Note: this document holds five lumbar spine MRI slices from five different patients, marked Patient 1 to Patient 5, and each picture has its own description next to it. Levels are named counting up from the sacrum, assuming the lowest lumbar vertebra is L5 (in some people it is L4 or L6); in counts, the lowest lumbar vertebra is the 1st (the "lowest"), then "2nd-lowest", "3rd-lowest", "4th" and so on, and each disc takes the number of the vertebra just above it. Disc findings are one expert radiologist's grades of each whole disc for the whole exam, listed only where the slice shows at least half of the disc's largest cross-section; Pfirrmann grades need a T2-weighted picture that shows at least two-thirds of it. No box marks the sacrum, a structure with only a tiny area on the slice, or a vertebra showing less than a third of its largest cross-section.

Patient 1 of 5:
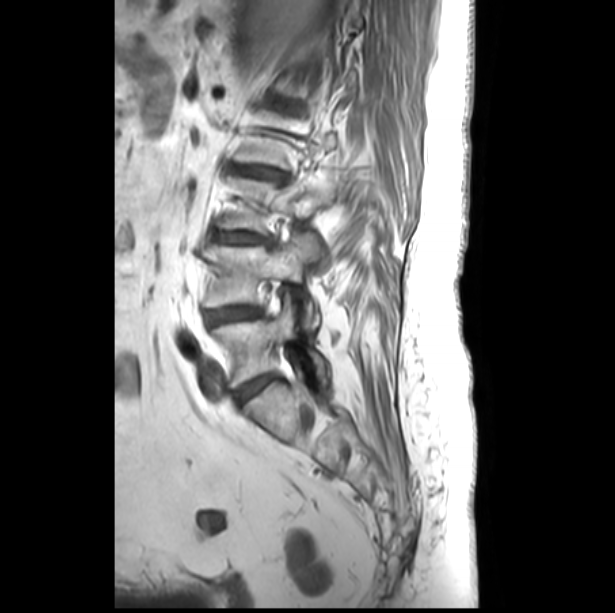 Sagittal T1-weighted lumbar spine MRI

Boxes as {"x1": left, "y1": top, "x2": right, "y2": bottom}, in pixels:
L2/L3 (4th disc): {"x1": 235, "y1": 165, "x2": 286, "y2": 181}
L4 (2nd-lowest vertebra): {"x1": 204, "y1": 232, "x2": 319, "y2": 328}
L3 (3rd-lowest vertebra): {"x1": 217, "y1": 175, "x2": 336, "y2": 266}
L5 (lowest vertebra): {"x1": 211, "y1": 294, "x2": 328, "y2": 387}
L3/L4 (3rd-lowest disc): {"x1": 212, "y1": 232, "x2": 273, "y2": 245}
intervertebral disc L4/L5 (2nd-lowest disc): {"x1": 207, "y1": 306, "x2": 262, "y2": 325}
L5/S1 (lowest disc): {"x1": 234, "y1": 374, "x2": 275, "y2": 402}

Degenerative findings by level:
  L4/L5 (2nd-lowest disc): disc bulging
  L3/L4 (3rd-lowest disc): upper-endplate change, disc bulging, disc narrowing, Modic type II, lower-endplate change
  L2/L3 (4th disc): upper-endplate change, lower-endplate change, disc narrowing, Modic type II, disc bulging

Patient 2 of 5:
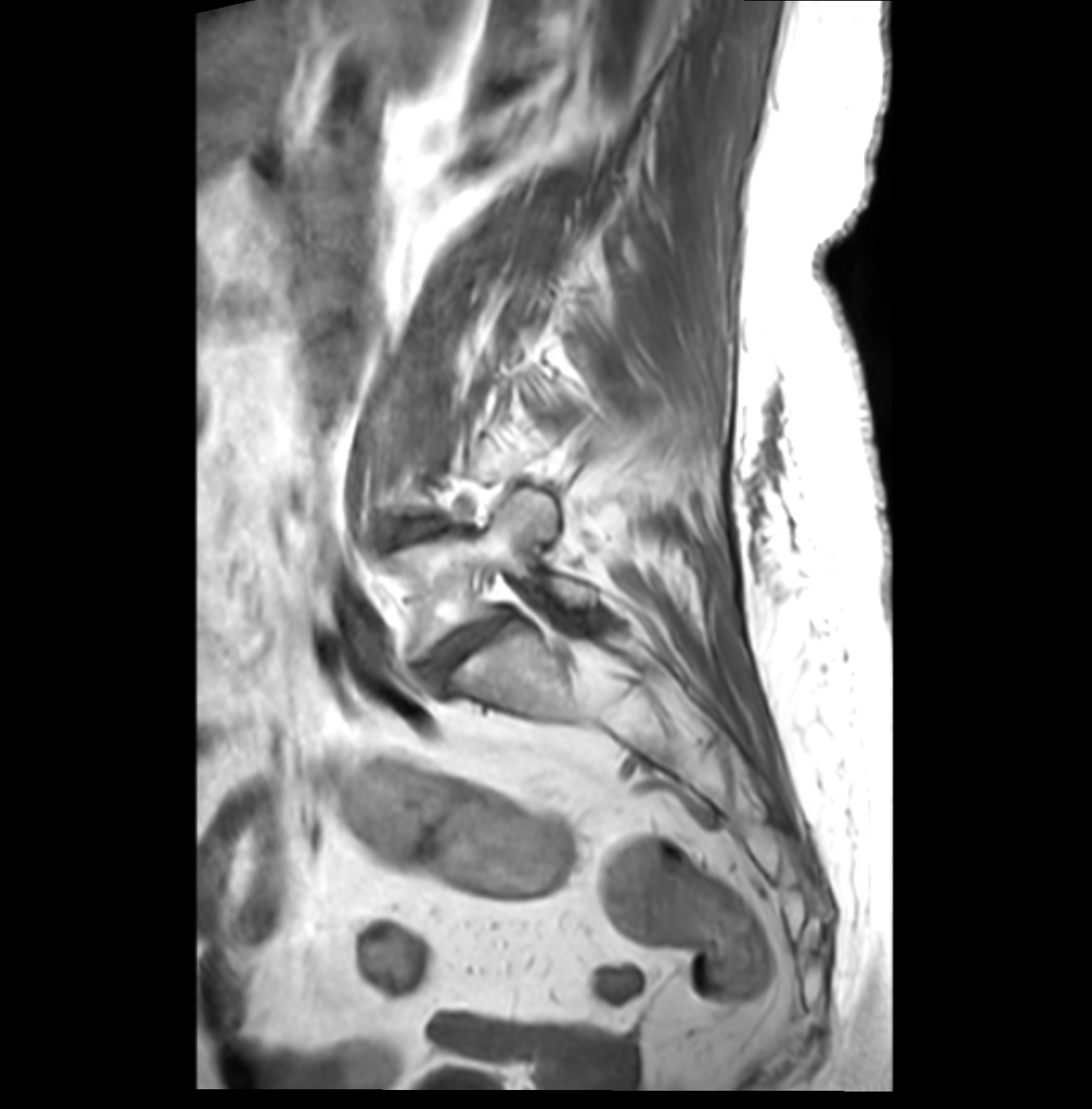
Sagittal T1-weighted lumbar spine MRI | Sex F | Slice 13/36
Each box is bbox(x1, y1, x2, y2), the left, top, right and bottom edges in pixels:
IVD L4/L5: bbox(389, 521, 445, 540)
L5 vertebra: bbox(386, 488, 595, 657)
L5/S1: bbox(425, 611, 509, 686)

Radiological gradings:
- L5/S1: disc bulging, Modic type II, disc narrowing, spondylolisthesis

Patient 3 of 5:
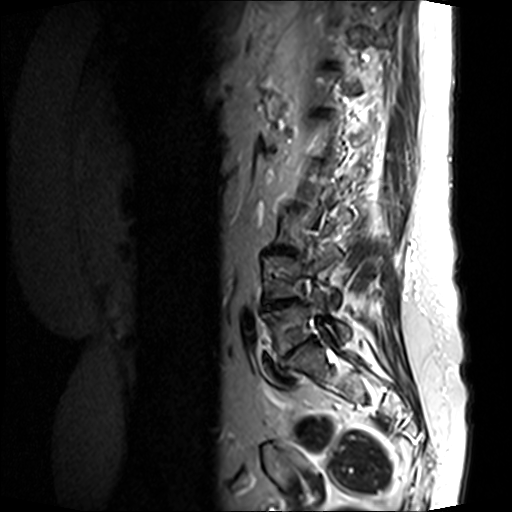
Sagittal T2-weighted lumbar spine MRI
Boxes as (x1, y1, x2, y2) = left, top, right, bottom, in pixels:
L3/L4: (269, 247, 290, 253).
L5/S1: (280, 337, 313, 362).
T11: (325, 26, 388, 60).
L4/L5: (262, 298, 303, 310).
L5 vertebra: (262, 288, 350, 355).
L4: (264, 256, 325, 298).

Per-level radiological findings:
- L4/L5: Modic type II, lower-endplate change, disc narrowing, disc bulging, upper-endplate change

Patient 4 of 5:
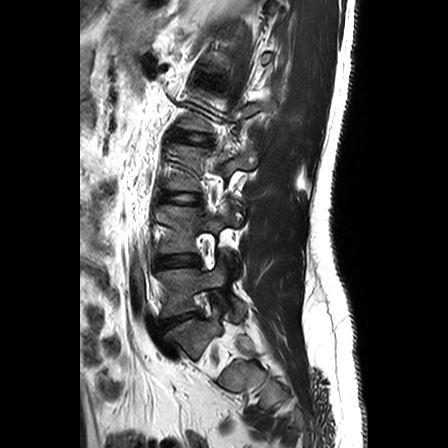 Sagittal T2-weighted lumbar spine MRI, Image 448x448

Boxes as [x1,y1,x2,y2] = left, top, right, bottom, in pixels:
Annotations:
• disc L5/S1: [163,313,195,327]
• L4: [159,205,238,276]
• L4/L5: [156,255,199,267]
• L3 vertebra: [167,145,257,190]
• L5: [157,261,246,321]
• disc L3/L4: [163,194,195,203]

Per-level radiological findings:
• L4/L5: Pfirrmann grade 1

Patient 5 of 5:
Slice 47/120. T2 SPACE (3D) sagittal MRI of the lumbar spine.

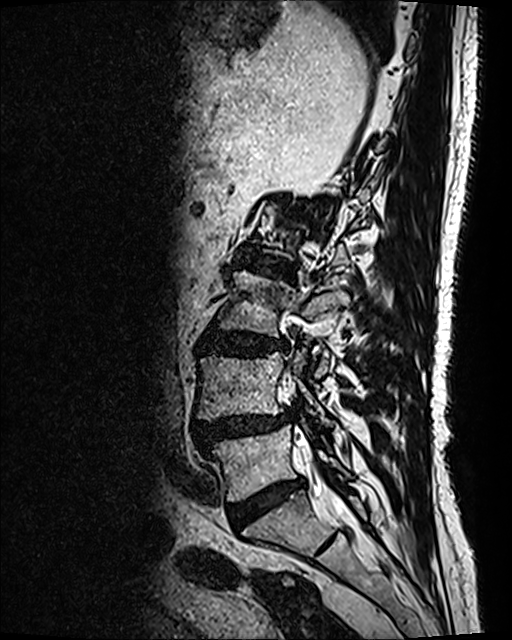

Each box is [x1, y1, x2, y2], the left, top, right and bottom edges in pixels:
{"L5/S1": "[229, 477, 304, 522]", "L5 vertebra": "[212, 425, 349, 501]", "intervertebral disc L2/L3": "[250, 266, 290, 277]", "thecal sac / spinal canal": "[296, 435, 352, 519]", "L4": "[197, 348, 332, 425]", "L4/L5": "[193, 415, 287, 451]", "L3": "[218, 271, 348, 376]", "intervertebral disc L3/L4": "[199, 330, 286, 354]"}

Per-level radiological findings:
• L3/L4: Pfirrmann grade 4, lower-endplate change, disc bulging, upper-endplate change
• L4/L5: Pfirrmann grade 4, disc bulging, spondylolisthesis, disc narrowing, disc herniation, Modic type II, lower-endplate change, upper-endplate change
• L5/S1: Pfirrmann grade 4